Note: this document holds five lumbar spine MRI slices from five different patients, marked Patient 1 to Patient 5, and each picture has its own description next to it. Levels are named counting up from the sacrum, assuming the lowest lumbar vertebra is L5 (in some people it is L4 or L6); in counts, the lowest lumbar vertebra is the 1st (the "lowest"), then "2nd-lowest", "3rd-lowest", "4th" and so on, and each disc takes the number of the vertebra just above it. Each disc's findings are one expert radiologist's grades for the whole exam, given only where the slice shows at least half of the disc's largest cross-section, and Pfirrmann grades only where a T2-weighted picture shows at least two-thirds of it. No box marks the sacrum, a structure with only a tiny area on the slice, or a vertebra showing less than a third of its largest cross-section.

Patient 1 of 5:
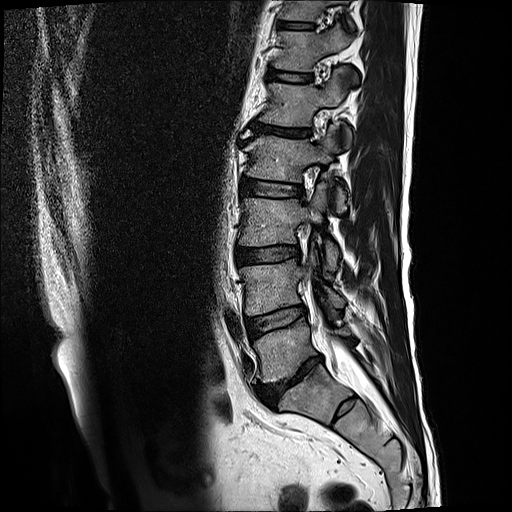

Sex M. Lumbar spine MR, T2-weighted, sagittal. Slice 5/17.

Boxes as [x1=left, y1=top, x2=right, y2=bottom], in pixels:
L1 vertebra at [x1=258, y1=68, x2=351, y2=145], L2 vertebra at [x1=243, y1=126, x2=345, y2=210], T11/T12 at [x1=280, y1=24, x2=314, y2=29], L4 at [x1=240, y1=253, x2=345, y2=315], L5 at [x1=254, y1=318, x2=349, y2=382], spinal canal at [x1=328, y1=339, x2=365, y2=390], IVD L2/L3 at [x1=242, y1=179, x2=302, y2=197], T12 vertebra at [x1=273, y1=24, x2=357, y2=79], IVD L5/S1 at [x1=257, y1=356, x2=321, y2=405], L3 vertebra at [x1=239, y1=183, x2=338, y2=269], T11 vertebra at [x1=282, y1=0, x2=353, y2=26], IVD L3/L4 at [x1=234, y1=245, x2=299, y2=264], L4/L5 at [x1=246, y1=305, x2=305, y2=336], T12/L1 at [x1=267, y1=67, x2=313, y2=81], IVD L1/L2 at [x1=252, y1=121, x2=308, y2=137].

Degenerative findings by level:
• L2/L3: Pfirrmann grade 3
• L4/L5: Pfirrmann grade 3, Modic type II
• L1/L2: Modic type II, disc bulging, disc narrowing, upper-endplate change, lower-endplate change
• L5/S1: Pfirrmann grade 5, Modic type II, lower-endplate change, disc bulging, upper-endplate change, disc narrowing
• L3/L4: Pfirrmann grade 3, lower-endplate change, disc bulging, upper-endplate change
• T12/L1: Pfirrmann grade 3

Patient 2 of 5:
Sex F; 471x478 px; Sagittal slice index 20; MRI lumbar spine (T1-weighted), sagittal plane; Field of view 281x281 mm, slice spacing 3.3 mm

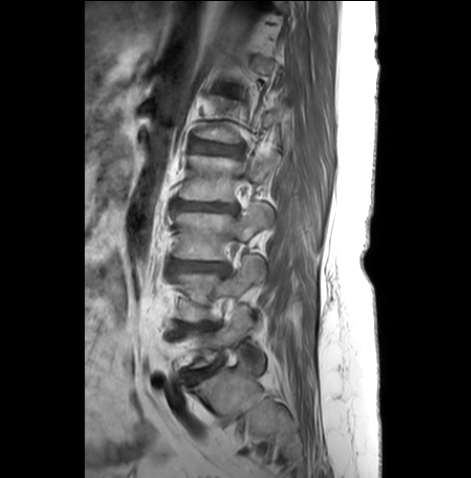

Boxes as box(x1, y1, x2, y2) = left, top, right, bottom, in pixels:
Intervertebral disc L1/L2 at box(192, 140, 241, 154).
Intervertebral disc L2/L3 at box(172, 199, 238, 212).
L4/L5 at box(176, 321, 217, 330).
Intervertebral disc L5/S1 at box(185, 363, 219, 380).
L3 at box(174, 201, 273, 260).
Intervertebral disc L3/L4 at box(170, 260, 230, 272).
L5 at box(188, 304, 265, 371).
L2 at box(179, 150, 281, 201).
L4 vertebra at box(172, 254, 265, 321).

Per-level radiological findings:
- L2/L3: disc bulging, Modic type II, lower-endplate change, upper-endplate change, disc narrowing
- L3/L4: disc bulging, disc narrowing, Modic type II
- L5/S1: Modic type II, disc bulging, disc narrowing
- L1/L2: upper-endplate change, Modic type II, disc bulging, lower-endplate change

Patient 3 of 5:
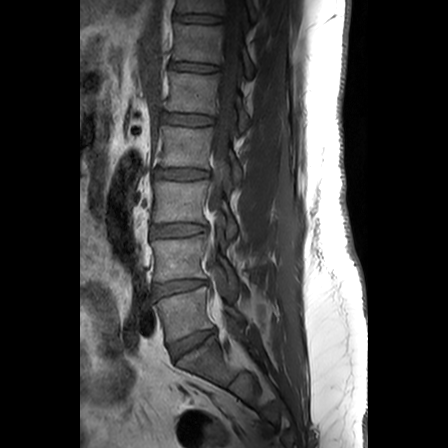 MRI lumbar spine (T1-weighted), sagittal plane

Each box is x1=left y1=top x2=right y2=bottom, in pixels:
{"L5": "x1=152 y1=286 x2=244 y2=342", "T12/L1": "x1=171 y1=61 x2=216 y2=71", "L5/S1": "x1=169 y1=328 x2=215 y2=359", "L3": "x1=152 y1=180 x2=236 y2=238", "disc L1/L2": "x1=159 y1=112 x2=211 y2=125", "T11": "x1=175 y1=0 x2=257 y2=20", "T12 vertebra": "x1=173 y1=23 x2=254 y2=77", "disc T11/T12": "x1=174 y1=14 x2=220 y2=22", "thecal sac / spinal canal": "x1=205 y1=0 x2=242 y2=276", "disc L2/L3": "x1=152 y1=169 x2=207 y2=179", "L4 vertebra": "x1=151 y1=234 x2=238 y2=292", "L3/L4": "x1=151 y1=222 x2=204 y2=236", "L4/L5": "x1=152 y1=279 x2=204 y2=298", "L1 vertebra": "x1=166 y1=72 x2=249 y2=132", "L2": "x1=157 y1=125 x2=243 y2=185"}

Per-level radiological findings:
  L5/S1: disc bulging
  L2/L3: disc bulging
  T11/T12, L3/L4, L4/L5, T12/L1, L1/L2: no Modic or endplate change, herniation, narrowing, bulging or spondylolisthesis recorded

Patient 4 of 5:
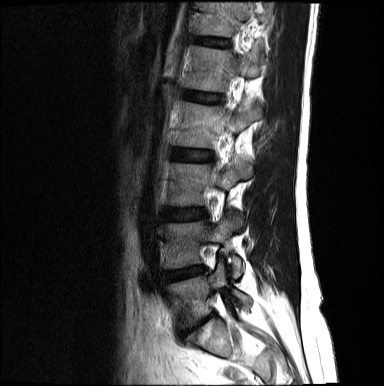 Image 384x386; Sagittal T2-weighted lumbar spine MRI
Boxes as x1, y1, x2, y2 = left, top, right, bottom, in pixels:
{"2nd-lowest vertebra": "165, 214, 242, 278", "3rd-lowest disc": "165, 208, 205, 220", "4th vertebra": "177, 100, 262, 147", "3rd-lowest vertebra": "169, 159, 252, 206", "lowest vertebra": "167, 262, 251, 327", "lowest disc": "183, 313, 212, 333", "5th disc": "183, 91, 222, 103", "4th disc": "173, 148, 211, 161", "6th disc": "195, 38, 227, 46", "2nd-lowest disc": "164, 267, 202, 280", "5th vertebra": "184, 46, 265, 91", "6th vertebra": "197, 2, 272, 37"}

Expert MSK radiologist gradings (per disc):
• 2nd-lowest disc: disc narrowing, disc bulging
• 4th disc: Pfirrmann grade 2
• 5th disc: Pfirrmann grade 2, upper-endplate change
• 6th disc: Pfirrmann grade 2
• 3rd-lowest disc: no Modic or endplate change, herniation, narrowing, bulging or spondylolisthesis recorded

Patient 5 of 5:
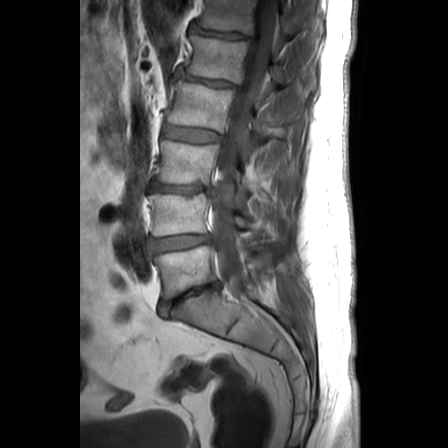 448x448 px, Lumbar spine MR, T1-weighted, sagittal
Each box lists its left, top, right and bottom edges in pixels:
{"intervertebral disc L3/L4": "left=151, top=181, right=216, bottom=195", "thecal sac / spinal canal": "left=211, top=0, right=276, bottom=297", "intervertebral disc L1/L2": "left=174, top=69, right=236, bottom=88", "L5": "left=152, top=245, right=270, bottom=298", "intervertebral disc L4/L5": "left=149, top=235, right=208, bottom=253", "L2 vertebra": "left=168, top=80, right=265, bottom=137", "T12": "left=197, top=0, right=292, bottom=35", "L3": "left=157, top=140, right=248, bottom=200", "L4 vertebra": "left=148, top=193, right=247, bottom=235", "L1 vertebra": "left=184, top=35, right=306, bottom=94", "L5/S1": "left=157, top=282, right=220, bottom=316", "intervertebral disc T12/L1": "left=190, top=25, right=248, bottom=38", "L2/L3": "left=163, top=126, right=220, bottom=142"}

Per-level radiological findings:
• L1/L2: disc narrowing, disc bulging
• L4/L5: disc bulging
• T12/L1: disc bulging, disc narrowing
• L5/S1: disc bulging, disc narrowing
• L3/L4: disc narrowing, disc herniation
• L2/L3: no herniation, bulging, narrowing, spondylolisthesis, endplate or Modic change recorded